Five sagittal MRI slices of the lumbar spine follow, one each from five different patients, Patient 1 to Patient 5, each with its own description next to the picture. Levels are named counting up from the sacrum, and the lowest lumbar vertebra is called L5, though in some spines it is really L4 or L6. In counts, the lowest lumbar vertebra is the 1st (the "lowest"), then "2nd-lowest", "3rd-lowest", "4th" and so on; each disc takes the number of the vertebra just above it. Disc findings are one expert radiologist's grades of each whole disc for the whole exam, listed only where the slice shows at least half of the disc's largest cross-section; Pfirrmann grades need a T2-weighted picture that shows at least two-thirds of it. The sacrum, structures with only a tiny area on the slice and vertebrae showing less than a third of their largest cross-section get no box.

Patient 1 of 5:
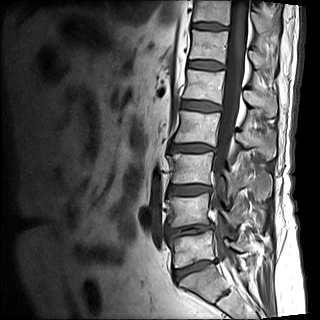 Image 320x320. MRI lumbar spine (T1-weighted), sagittal plane. Field of view 280x280 mm, slice spacing 4.8 mm.

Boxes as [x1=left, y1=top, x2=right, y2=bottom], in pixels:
disc L4/L5 = [x1=167, y1=224, x2=211, y2=238] | disc L2/L3 = [x1=171, y1=144, x2=213, y2=152] | T11/T12 = [x1=192, y1=23, x2=227, y2=30] | thecal sac / spinal canal = [x1=212, y1=0, x2=248, y2=261] | L3 vertebra = [x1=168, y1=152, x2=271, y2=197] | L4 = [x1=167, y1=193, x2=244, y2=226] | disc L3/L4 = [x1=169, y1=185, x2=211, y2=195] | L5 = [x1=169, y1=230, x2=247, y2=267] | T12 = [x1=189, y1=30, x2=276, y2=69] | L2 vertebra = [x1=174, y1=111, x2=273, y2=158] | T12/L1 = [x1=188, y1=61, x2=224, y2=70] | T11 = [x1=193, y1=0, x2=277, y2=33] | disc L5/S1 = [x1=174, y1=260, x2=216, y2=280] | L1 vertebra = [x1=183, y1=69, x2=277, y2=117] | L1/L2 = [x1=182, y1=101, x2=221, y2=111]

Expert MSK radiologist gradings (per disc):
  L3/L4: upper-endplate change, lower-endplate change, Modic type II, disc bulging
  L4/L5: lower-endplate change, upper-endplate change, Modic type II, disc narrowing, disc bulging
  L5/S1: disc bulging, upper-endplate change, lower-endplate change, disc narrowing, Modic type II
  L2/L3: disc narrowing, disc bulging, lower-endplate change, Modic type II, upper-endplate change
  L1/L2, T11/T12, T12/L1: no Modic or endplate change, herniation, narrowing, bulging or spondylolisthesis recorded

Patient 2 of 5:
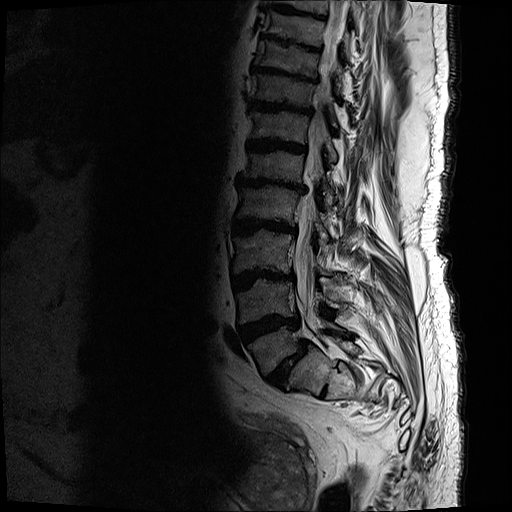 Sagittal slice index 7. MRI lumbar spine (T2-weighted), sagittal plane.
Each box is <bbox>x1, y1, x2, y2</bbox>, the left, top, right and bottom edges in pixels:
T12 at <bbox>251, 110, 338, 163</bbox>, T11/T12 at <bbox>249, 99, 314, 115</bbox>, IVD L5/S1 at <bbox>267, 342, 309, 388</bbox>, IVD T12/L1 at <bbox>247, 139, 308, 154</bbox>, L2 at <bbox>237, 186, 330, 243</bbox>, IVD T10/T11 at <bbox>251, 66, 317, 84</bbox>, T10 vertebra at <bbox>255, 39, 344, 94</bbox>, L3 vertebra at <bbox>233, 230, 331, 277</bbox>, L1 at <bbox>243, 151, 338, 210</bbox>, IVD L4/L5 at <bbox>236, 314, 302, 344</bbox>, T11 at <bbox>251, 74, 338, 127</bbox>, IVD L2/L3 at <bbox>234, 219, 295, 235</bbox>, T9/T10 at <bbox>261, 35, 322, 51</bbox>, L3/L4 at <bbox>231, 270, 293, 291</bbox>, L1/L2 at <bbox>237, 177, 306, 192</bbox>, thecal sac / spinal canal at <bbox>295, 1, 351, 329</bbox>, L4 vertebra at <bbox>236, 279, 346, 323</bbox>, L5 vertebra at <bbox>247, 321, 346, 376</bbox>.

Degenerative findings by level:
  L1/L2: Pfirrmann grade 5, disc bulging, upper-endplate change, disc narrowing, lower-endplate change, Modic type II
  T10/T11: disc narrowing, upper-endplate change, Modic type II, lower-endplate change, disc bulging
  T11/T12: Pfirrmann grade 5, Modic type II, upper-endplate change, disc narrowing, disc bulging, lower-endplate change
  L3/L4: Pfirrmann grade 5, upper-endplate change, lower-endplate change, disc bulging, Modic type II, disc narrowing
  T12/L1: Pfirrmann grade 5, upper-endplate change, lower-endplate change, disc narrowing, Modic type II, disc bulging
  L4/L5: Pfirrmann grade 5, disc bulging, Modic type II, upper-endplate change, disc narrowing, lower-endplate change
  L5/S1: Pfirrmann grade 5, disc narrowing, spondylolisthesis, Modic type II, lower-endplate change, upper-endplate change, disc bulging
  L2/L3: Pfirrmann grade 5, lower-endplate change, disc bulging, disc narrowing, upper-endplate change, Modic type II

Patient 3 of 5:
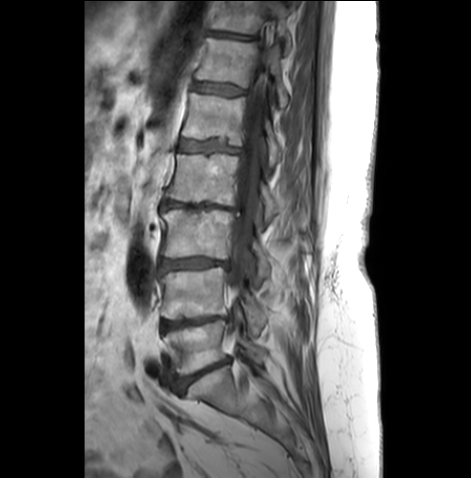

T1-weighted sagittal MRI of the lumbar spine, Image 471x478
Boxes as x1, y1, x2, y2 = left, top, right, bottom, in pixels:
Spinal canal at 228, 69, 268, 298; T12/L1 (6th disc) at 193, 82, 243, 95; disc L5/S1 (lowest disc) at 177, 358, 231, 392; L5 (lowest vertebra) at 165, 319, 266, 373; L1 (5th vertebra) at 183, 92, 285, 171; L2 (4th vertebra) at 167, 153, 310, 228; T11/T12 (7th disc) at 207, 30, 256, 38; disc L2/L3 (4th disc) at 163, 198, 239, 213; L1/L2 (5th disc) at 181, 140, 238, 152; L3 (3rd-lowest vertebra) at 162, 208, 270, 284; L4/L5 (2nd-lowest disc) at 162, 315, 222, 330; T12 (6th vertebra) at 196, 37, 288, 106; L4 (2nd-lowest vertebra) at 160, 265, 269, 334; disc L3/L4 (3rd-lowest disc) at 159, 257, 229, 270; T11 (7th vertebra) at 211, 1, 290, 48.

Expert MSK radiologist gradings (per disc):
• L4/L5 (2nd-lowest disc): disc narrowing, upper-endplate change, lower-endplate change, disc bulging, Modic type II
• T11/T12 (7th disc): lower-endplate change, disc bulging, upper-endplate change
• T12/L1 (6th disc): lower-endplate change, disc bulging, upper-endplate change
• L2/L3 (4th disc): Modic type II, upper-endplate change, disc narrowing, disc bulging, lower-endplate change
• L3/L4 (3rd-lowest disc): disc bulging, Modic type II, disc narrowing
• L1/L2 (5th disc): Modic type II, upper-endplate change, disc bulging, lower-endplate change
• L5/S1 (lowest disc): Modic type II, disc bulging, disc narrowing

Patient 4 of 5:
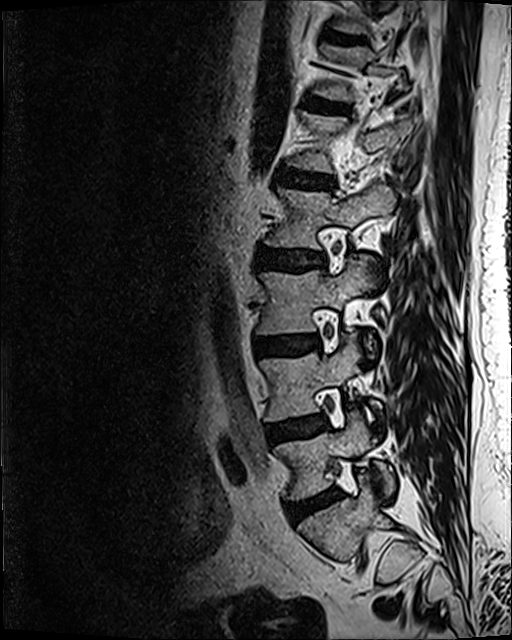 Slice spacing 0.9 mm. Lumbar spine MR, T2 SPACE (3D), sagittal.
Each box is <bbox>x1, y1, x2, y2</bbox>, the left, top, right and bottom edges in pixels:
Lowest disc = <bbox>287, 489, 339, 524</bbox>.
4th vertebra = <bbox>264, 182, 394, 248</bbox>.
4th disc = <bbox>260, 248, 324, 270</bbox>.
3rd-lowest disc = <bbox>257, 336, 317, 356</bbox>.
5th disc = <bbox>278, 169, 334, 189</bbox>.
6th disc = <bbox>308, 99, 347, 112</bbox>.
Lowest vertebra = <bbox>274, 411, 394, 499</bbox>.
7th disc = <bbox>326, 32, 363, 44</bbox>.
3rd-lowest vertebra = <bbox>257, 258, 375, 354</bbox>.
2nd-lowest vertebra = <bbox>260, 332, 375, 421</bbox>.
2nd-lowest disc = <bbox>266, 416, 326, 444</bbox>.

Radiological gradings:
  3rd-lowest disc: Pfirrmann grade 2, disc bulging, Modic type II
  4th disc: Pfirrmann grade 3, disc bulging
  5th disc: disc bulging
  2nd-lowest disc: Modic type II, disc bulging

Patient 5 of 5:
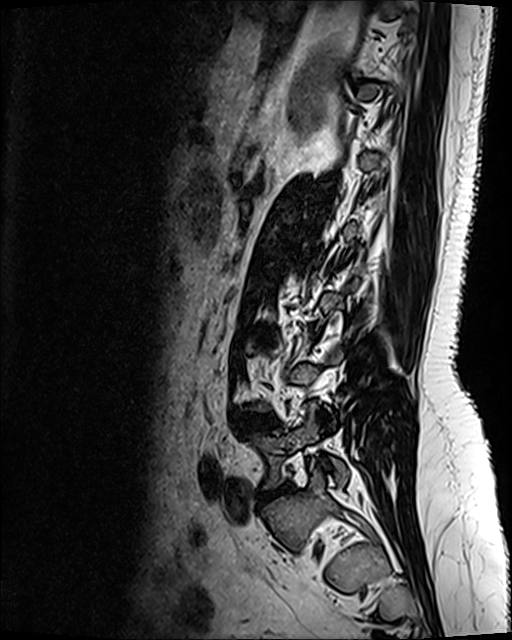 Slice 35/120, 512x640 px, Sagittal T2 SPACE (3D) lumbar spine MRI

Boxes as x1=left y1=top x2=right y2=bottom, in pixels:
L5/S1: x1=260 y1=487 x2=289 y2=500.
L5: x1=256 y1=402 x2=349 y2=488.
IVD L4/L5: x1=235 y1=415 x2=274 y2=429.
IVD L3/L4: x1=255 y1=333 x2=271 y2=343.